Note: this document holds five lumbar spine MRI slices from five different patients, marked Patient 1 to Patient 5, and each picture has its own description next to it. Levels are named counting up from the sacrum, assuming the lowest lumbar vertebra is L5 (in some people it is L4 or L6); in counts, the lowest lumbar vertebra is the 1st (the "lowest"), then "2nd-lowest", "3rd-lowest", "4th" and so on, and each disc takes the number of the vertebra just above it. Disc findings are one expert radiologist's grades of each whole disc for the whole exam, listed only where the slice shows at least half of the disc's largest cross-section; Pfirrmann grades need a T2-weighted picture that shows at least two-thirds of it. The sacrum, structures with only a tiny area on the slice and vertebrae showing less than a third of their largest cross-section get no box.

Patient 1 of 5:
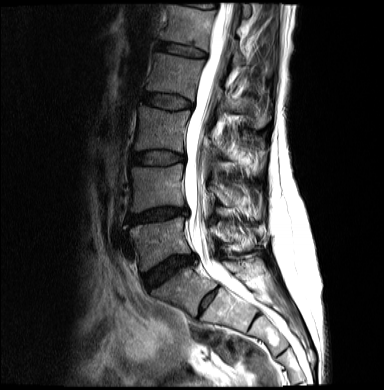
Lumbar spine MR, T2-weighted, sagittal | Sagittal slice index 8

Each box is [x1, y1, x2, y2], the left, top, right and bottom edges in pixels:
3rd-lowest vertebra at [135, 106, 265, 165], 5th vertebra at [162, 4, 245, 67], spinal canal at [184, 3, 247, 299], 5th disc at [159, 42, 206, 58], lowest disc at [144, 255, 194, 287], lowest vertebra at [129, 217, 234, 271], 2nd-lowest vertebra at [130, 165, 232, 211], 2nd-lowest disc at [129, 208, 186, 224], 4th vertebra at [146, 53, 265, 127], 3rd-lowest disc at [132, 151, 184, 165], 4th disc at [143, 93, 192, 109].

Per-level radiological findings:
• 4th disc: Pfirrmann grade 2
• 5th disc: Pfirrmann grade 2
• lowest disc: Pfirrmann grade 4, disc bulging, disc narrowing
• 2nd-lowest disc: Pfirrmann grade 4, disc narrowing, disc bulging, upper-endplate change, lower-endplate change
• 3rd-lowest disc: Pfirrmann grade 2

Patient 2 of 5:
Lumbar spine MR, T1-weighted, sagittal.

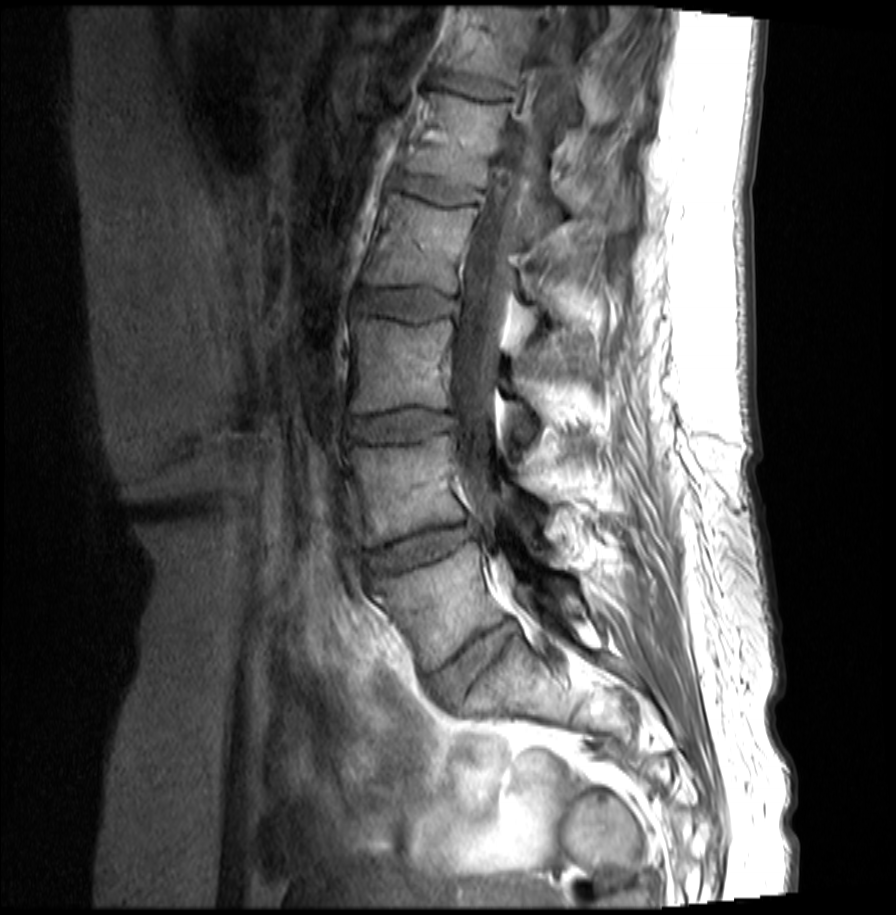 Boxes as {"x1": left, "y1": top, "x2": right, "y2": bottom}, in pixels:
4th disc = {"x1": 357, "y1": 289, "x2": 457, "y2": 319}.
2nd-lowest disc = {"x1": 367, "y1": 526, "x2": 477, "y2": 575}.
5th disc = {"x1": 398, "y1": 175, "x2": 480, "y2": 205}.
3rd-lowest vertebra = {"x1": 349, "y1": 317, "x2": 536, "y2": 438}.
4th vertebra = {"x1": 363, "y1": 192, "x2": 602, "y2": 324}.
2nd-lowest vertebra = {"x1": 345, "y1": 434, "x2": 543, "y2": 547}.
Lowest disc = {"x1": 432, "y1": 623, "x2": 516, "y2": 703}.
Lowest vertebra = {"x1": 374, "y1": 520, "x2": 582, "y2": 669}.
3rd-lowest disc = {"x1": 348, "y1": 412, "x2": 456, "y2": 438}.
6th vertebra = {"x1": 446, "y1": 8, "x2": 581, "y2": 124}.
5th vertebra = {"x1": 407, "y1": 89, "x2": 635, "y2": 233}.
6th disc = {"x1": 440, "y1": 72, "x2": 510, "y2": 99}.
Thecal sac / spinal canal = {"x1": 455, "y1": 11, "x2": 581, "y2": 511}.

Expert MSK radiologist gradings (per disc):
- lowest disc: disc bulging
- 3rd-lowest disc: disc bulging
- 2nd-lowest disc: disc herniation
- 5th disc, 4th disc, 6th disc: no Modic or endplate change, herniation, narrowing, bulging or spondylolisthesis recorded

Patient 3 of 5:
Image 1105x1092. Slice 23/41. Field of view 290x286 mm, slice spacing 3.4 mm. T1-weighted sagittal MRI of the lumbar spine.
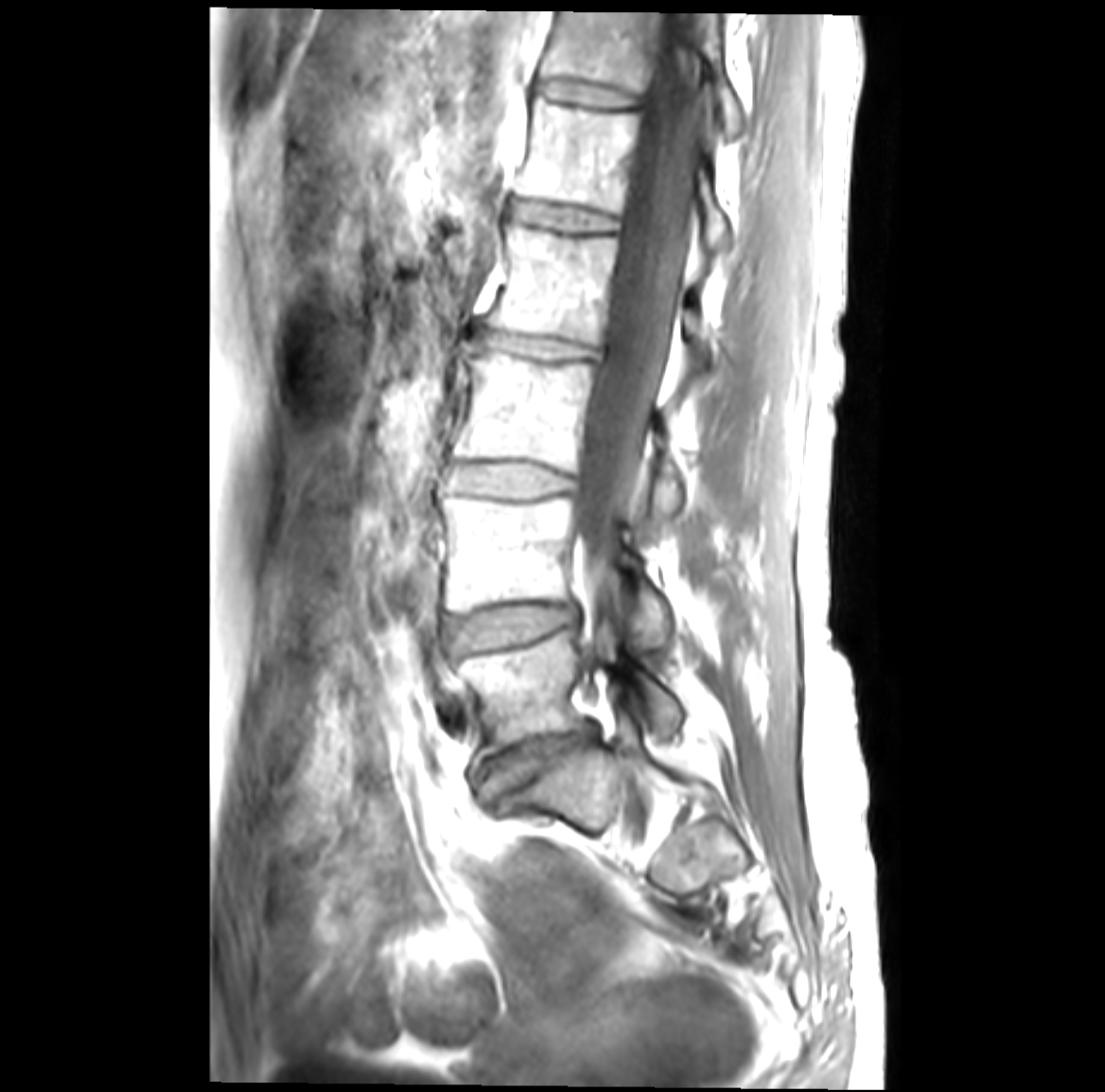

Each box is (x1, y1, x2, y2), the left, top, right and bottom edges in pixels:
Lowest disc at (485, 726, 590, 799), 3rd-lowest disc at (450, 463, 574, 496), 2nd-lowest vertebra at (439, 494, 668, 645), 3rd-lowest vertebra at (453, 345, 681, 537), spinal canal at (572, 15, 705, 602), 4th disc at (474, 327, 597, 359), 5th vertebra at (517, 100, 729, 251), 2nd-lowest disc at (448, 607, 573, 649), 6th vertebra at (540, 10, 744, 133), 6th disc at (538, 81, 633, 109), 4th vertebra at (485, 226, 713, 351), lowest vertebra at (442, 625, 679, 754), 5th disc at (515, 203, 617, 232).

Per-level radiological findings:
- lowest disc: Modic type II, disc narrowing, disc bulging
- 4th disc: disc narrowing, Modic type II, disc bulging
- 3rd-lowest disc: disc bulging, Modic type II
- 2nd-lowest disc: Modic type II, disc bulging
- 5th disc, 6th disc: no Modic or endplate change, herniation, narrowing, bulging or spondylolisthesis recorded

Patient 4 of 5:
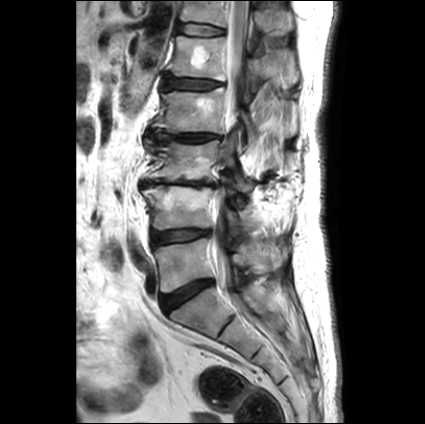
Slice spacing 3.3 mm, Lumbar spine MR, T2-weighted, sagittal
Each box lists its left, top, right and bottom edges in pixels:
T12 vertebra at left=181, top=1, right=293, bottom=34.
L4 vertebra at left=142, top=185, right=255, bottom=234.
Disc L4/L5 at left=151, top=229, right=209, bottom=247.
Spinal canal at left=211, top=1, right=247, bottom=295.
L1 at left=168, top=36, right=300, bottom=86.
L2 at left=152, top=87, right=256, bottom=145.
L3 at left=146, top=139, right=253, bottom=191.
L5 vertebra at left=153, top=238, right=274, bottom=292.
L3/L4 at left=142, top=180, right=217, bottom=187.
Disc L1/L2 at left=162, top=71, right=221, bottom=90.
T12/L1 at left=177, top=23, right=223, bottom=35.
Disc L2/L3 at left=147, top=129, right=220, bottom=142.
Disc L5/S1 at left=161, top=279, right=213, bottom=313.

Per-level radiological findings:
• L2/L3: Pfirrmann grade 1, disc bulging, upper-endplate change, lower-endplate change, disc narrowing
• L3/L4: disc narrowing, disc bulging, upper-endplate change, lower-endplate change, Modic type II
• L1/L2: Pfirrmann grade 4, disc bulging, lower-endplate change, upper-endplate change
• L4/L5: Pfirrmann grade 2, disc bulging
• T12/L1: Pfirrmann grade 2
• L5/S1: Pfirrmann grade 1, disc bulging

Patient 5 of 5:
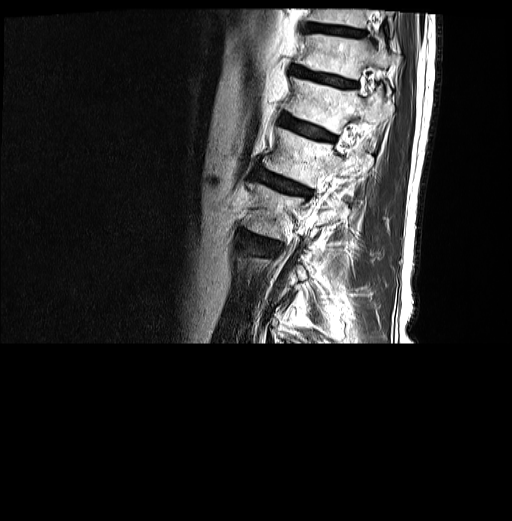

MRI lumbar spine (T2-weighted), sagittal plane. Patient sex: M.

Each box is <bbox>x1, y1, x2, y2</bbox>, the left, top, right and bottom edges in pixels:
L1 vertebra at <bbox>263, 128, 373, 186</bbox>, T12/L1 at <bbox>281, 114, 333, 141</bbox>, T12 at <bbox>285, 77, 393, 132</bbox>, T11/T12 at <bbox>293, 65, 355, 87</bbox>, intervertebral disc T10/T11 at <bbox>307, 24, 362, 36</bbox>, L2 vertebra at <bbox>248, 183, 348, 237</bbox>, T11 vertebra at <bbox>296, 34, 397, 78</bbox>, T10 at <bbox>309, 9, 366, 27</bbox>, intervertebral disc L1/L2 at <bbox>253, 167, 309, 195</bbox>.

Degenerative findings by level:
  L1/L2: Pfirrmann grade 4, lower-endplate change, disc bulging, Modic type II, upper-endplate change
  T10/T11: Pfirrmann grade 3
  T11/T12: Pfirrmann grade 4, lower-endplate change, disc bulging, upper-endplate change
  T12/L1: Pfirrmann grade 4, Modic type II, upper-endplate change, lower-endplate change, disc bulging